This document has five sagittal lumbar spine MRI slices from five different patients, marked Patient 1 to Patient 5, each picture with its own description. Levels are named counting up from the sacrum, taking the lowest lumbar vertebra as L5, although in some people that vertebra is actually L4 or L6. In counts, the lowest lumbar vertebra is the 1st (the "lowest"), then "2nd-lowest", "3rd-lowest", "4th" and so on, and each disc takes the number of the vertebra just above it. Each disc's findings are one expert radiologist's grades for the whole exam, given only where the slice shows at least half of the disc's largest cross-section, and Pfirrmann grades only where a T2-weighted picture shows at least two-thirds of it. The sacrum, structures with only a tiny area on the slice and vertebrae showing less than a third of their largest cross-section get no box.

Patient 1 of 5:
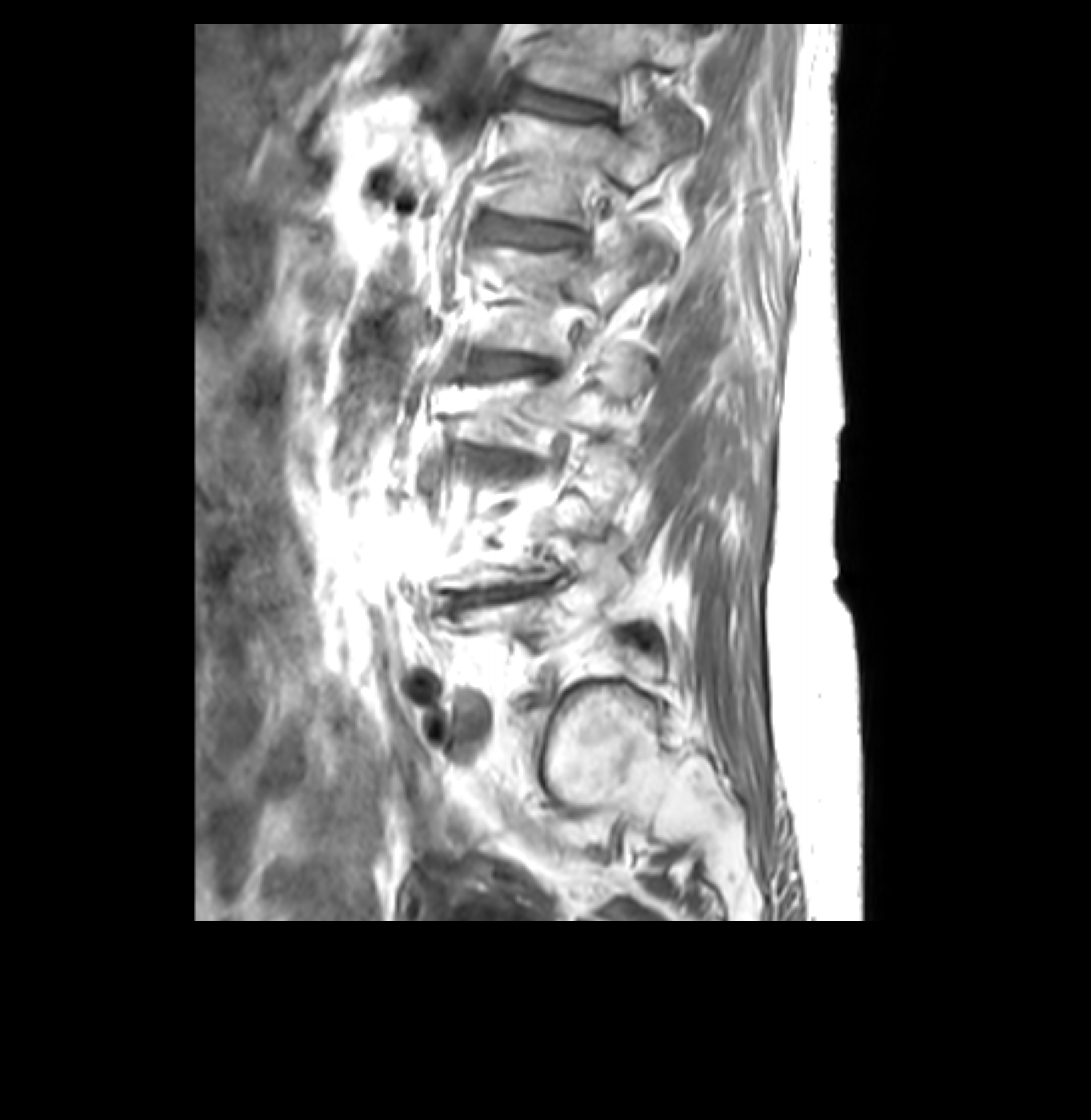 Slice 26 of 35, Lumbar spine MR, T1-weighted, sagittal, Image 1091x1120, Patient sex: F
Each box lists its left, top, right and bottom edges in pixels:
L3: left=455, top=360, right=650, bottom=436.
L2 vertebra: left=475, top=231, right=660, bottom=353.
Intervertebral disc L2/L3: left=473, top=355, right=545, bottom=376.
L1/L2: left=485, top=217, right=582, bottom=247.
Intervertebral disc L4/L5: left=446, top=580, right=545, bottom=607.
L5: left=453, top=542, right=628, bottom=648.
L1: left=492, top=104, right=684, bottom=263.
T12 vertebra: left=523, top=23, right=701, bottom=104.
T12/L1: left=511, top=85, right=611, bottom=118.
L3/L4: left=473, top=451, right=515, bottom=467.

Expert MSK radiologist gradings (per disc):
• T12/L1: upper-endplate change, disc bulging
• L1/L2: lower-endplate change, upper-endplate change

Patient 2 of 5:
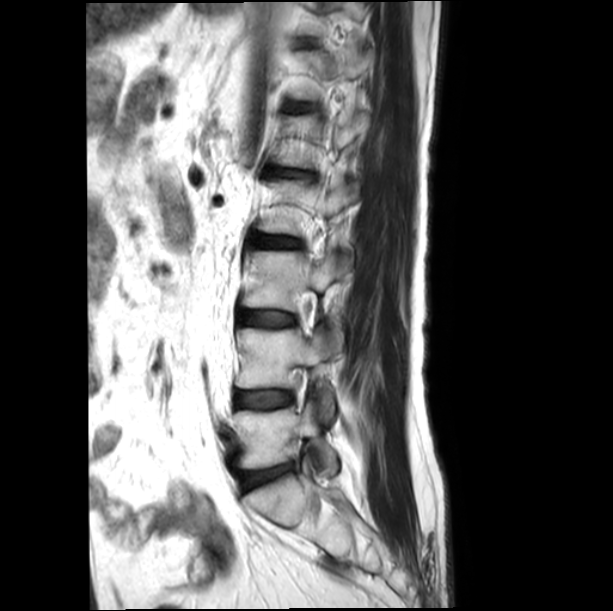 Slice 14/18. MRI lumbar spine (T2-weighted), sagittal plane.
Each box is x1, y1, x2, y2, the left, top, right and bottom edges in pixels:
Segmented structures:
- intervertebral disc T12/L1 at 288, 103, 310, 111
- L4/L5 at 235, 391, 293, 408
- L1 at 275, 112, 368, 168
- L4 at 235, 328, 342, 420
- L5 at 235, 399, 337, 473
- intervertebral disc L1/L2 at 270, 169, 312, 176
- T12 at 290, 43, 374, 100
- L3 at 243, 251, 352, 324
- L3/L4 at 240, 311, 294, 326
- intervertebral disc L5/S1 at 243, 465, 291, 486
- intervertebral disc L2/L3 at 252, 235, 299, 247

Per-level radiological findings:
  L3/L4: Pfirrmann grade 1
  L4/L5, L2/L3: no herniation, bulging, narrowing, spondylolisthesis, endplate or Modic change recorded

Patient 3 of 5:
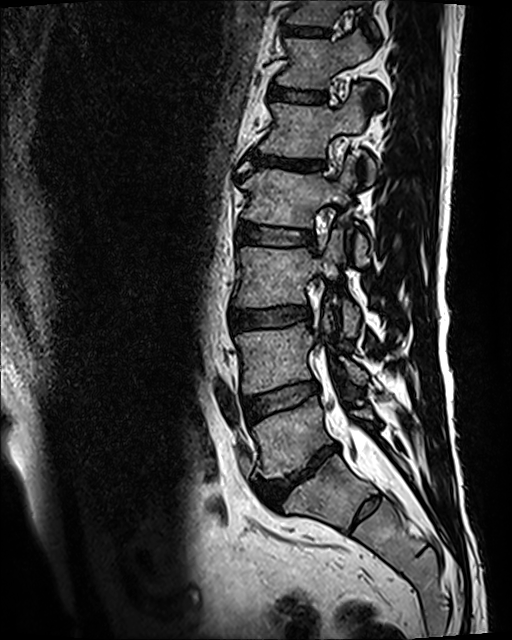 T2 SPACE (3D) sagittal MRI of the lumbar spine; Field of view 240x300 mm; Slice 46/120
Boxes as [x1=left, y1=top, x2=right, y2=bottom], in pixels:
L3/L4 — [x1=229, y1=306, x2=310, y2=330] | T12/L1 — [x1=270, y1=84, x2=327, y2=102] | spinal canal — [x1=346, y1=424, x2=392, y2=488] | L4 — [x1=236, y1=316, x2=367, y2=394] | L1 — [x1=259, y1=85, x2=375, y2=181] | L3 vertebra — [x1=235, y1=229, x2=359, y2=337] | L1/L2 — [x1=251, y1=151, x2=322, y2=171] | L5 vertebra — [x1=253, y1=397, x2=373, y2=478] | L4/L5 — [x1=244, y1=381, x2=318, y2=420] | T12 vertebra — [x1=277, y1=30, x2=382, y2=99] | disc T11/T12 — [x1=286, y1=30, x2=329, y2=36] | L5/S1 — [x1=257, y1=445, x2=337, y2=507] | L2 vertebra — [x1=240, y1=157, x2=367, y2=263] | T11 — [x1=288, y1=0, x2=377, y2=33] | L2/L3 — [x1=238, y1=224, x2=314, y2=246]

Per-level radiological findings:
- L4/L5: Pfirrmann grade 3, Modic type II
- L5/S1: Pfirrmann grade 5, disc narrowing, upper-endplate change, Modic type II, disc bulging, lower-endplate change
- L3/L4: Pfirrmann grade 3, upper-endplate change, lower-endplate change, disc bulging
- T12/L1: Pfirrmann grade 3
- L2/L3: Pfirrmann grade 3
- L1/L2: disc bulging, disc narrowing, lower-endplate change, Modic type II, upper-endplate change

Patient 4 of 5:
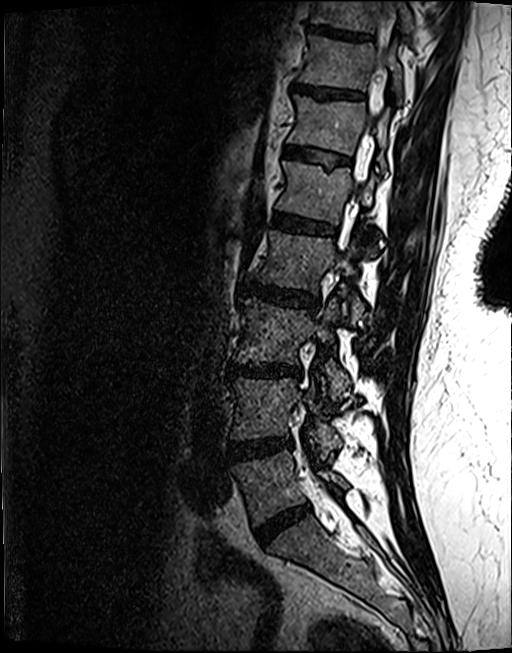 Slice 50/122. Sex F. Slice spacing 0.9 mm. Sagittal T2 SPACE (3D) lumbar spine MRI.
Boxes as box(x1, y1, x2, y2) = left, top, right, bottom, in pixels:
3rd-lowest disc: box(229, 362, 300, 376).
8th vertebra: box(311, 0, 414, 33).
Spinal canal: box(351, 0, 400, 204).
6th vertebra: box(288, 95, 388, 171).
8th disc: box(307, 24, 369, 40).
2nd-lowest disc: box(228, 438, 291, 460).
Lowest disc: box(256, 505, 309, 544).
4th vertebra: box(250, 230, 364, 324).
2nd-lowest vertebra: box(230, 377, 341, 457).
5th vertebra: box(277, 161, 377, 255).
6th disc: box(284, 145, 350, 163).
4th disc: box(241, 280, 318, 309).
5th disc: box(273, 213, 334, 234).
3rd-lowest vertebra: box(234, 297, 349, 399).
7th vertebra: box(300, 34, 402, 99).
7th disc: box(293, 83, 362, 97).
Lowest vertebra: box(231, 450, 348, 526).

Per-level radiological findings:
• 3rd-lowest disc: Pfirrmann grade 4, disc bulging, lower-endplate change, disc narrowing, Modic type II, upper-endplate change
• lowest disc: Pfirrmann grade 4, disc bulging, disc narrowing
• 4th disc: Pfirrmann grade 4, upper-endplate change, disc bulging, lower-endplate change
• 2nd-lowest disc: Pfirrmann grade 4, Modic type II, disc bulging, lower-endplate change
• 6th disc: Pfirrmann grade 3, lower-endplate change, upper-endplate change
• 5th disc: Pfirrmann grade 4, Modic type II, upper-endplate change, lower-endplate change
• 7th disc: Pfirrmann grade 4, upper-endplate change
• 8th disc: Pfirrmann grade 4, upper-endplate change, lower-endplate change

Patient 5 of 5:
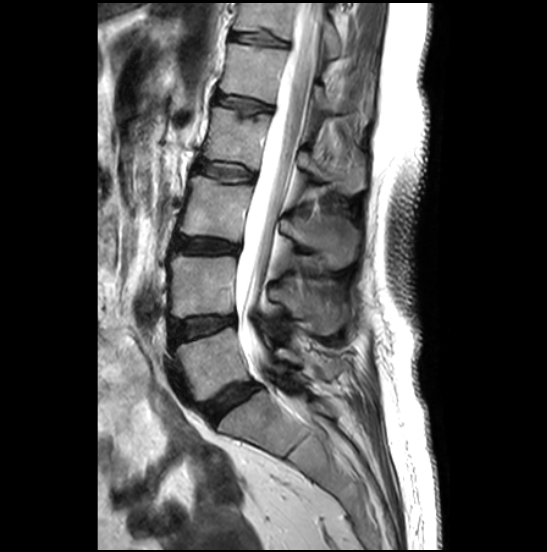

MRI lumbar spine (T2-weighted), sagittal plane. Sex F.
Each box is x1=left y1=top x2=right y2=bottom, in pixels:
L1 at x1=220 y1=43 x2=372 y2=122, IVD L2/L3 at x1=197 y1=161 x2=253 y2=181, T12 vertebra at x1=233 y1=3 x2=341 y2=58, IVD T12/L1 at x1=231 y1=33 x2=285 y2=45, L5 at x1=173 y1=327 x2=340 y2=400, thecal sac / spinal canal at x1=236 y1=3 x2=321 y2=370, L3/L4 at x1=173 y1=238 x2=237 y2=252, L2 vertebra at x1=204 y1=106 x2=364 y2=192, L3 vertebra at x1=180 y1=175 x2=357 y2=267, IVD L1/L2 at x1=216 y1=94 x2=271 y2=113, IVD L5/S1 at x1=200 y1=382 x2=259 y2=423, L4 at x1=170 y1=254 x2=347 y2=334, IVD L4/L5 at x1=170 y1=316 x2=234 y2=342.

Expert MSK radiologist gradings (per disc):
- T12/L1: Pfirrmann grade 2, lower-endplate change, upper-endplate change
- L2/L3: Pfirrmann grade 2
- L3/L4: Pfirrmann grade 4, disc bulging
- L1/L2: Pfirrmann grade 2, upper-endplate change
- L4/L5: Pfirrmann grade 3, disc bulging
- L5/S1: Pfirrmann grade 4, disc bulging